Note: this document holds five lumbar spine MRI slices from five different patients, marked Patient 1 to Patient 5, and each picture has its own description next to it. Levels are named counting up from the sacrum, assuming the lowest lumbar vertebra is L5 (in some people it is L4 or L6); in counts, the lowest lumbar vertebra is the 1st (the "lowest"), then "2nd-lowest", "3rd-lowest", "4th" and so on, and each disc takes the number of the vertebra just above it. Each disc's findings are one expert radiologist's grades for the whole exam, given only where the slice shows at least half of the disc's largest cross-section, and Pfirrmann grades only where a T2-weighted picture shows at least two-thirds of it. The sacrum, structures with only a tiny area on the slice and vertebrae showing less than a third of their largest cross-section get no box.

Patient 1 of 5:
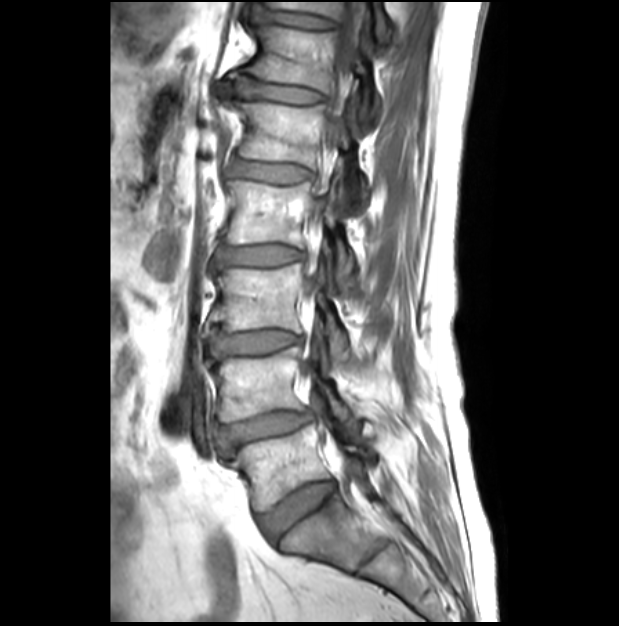
Sagittal slice index 11, Sex M, 619x626 px, MRI lumbar spine (T1-weighted), sagittal plane
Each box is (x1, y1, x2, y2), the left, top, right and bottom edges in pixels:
L4/L5 at (220, 411, 312, 446).
Intervertebral disc L5/S1 at (260, 480, 335, 540).
L4 at (210, 328, 355, 426).
T12/L1 at (235, 76, 321, 102).
Intervertebral disc T11/T12 at (258, 10, 333, 28).
Thecal sac / spinal canal at (307, 0, 365, 293).
Intervertebral disc L3/L4 at (210, 330, 297, 358).
L1/L2 at (231, 160, 311, 182).
L3 vertebra at (209, 264, 348, 363).
T12 at (250, 9, 379, 121).
L1 vertebra at (235, 102, 364, 211).
L5 vertebra at (231, 424, 375, 510).
T11 vertebra at (268, 2, 388, 40).
Intervertebral disc L2/L3 at (217, 245, 300, 266).
L2 at (226, 180, 354, 292).

Per-level radiological findings:
  L4/L5: upper-endplate change, disc narrowing, spondylolisthesis, lower-endplate change, disc bulging
  L2/L3, L1/L2, T12/L1, T11/T12, L3/L4, L5/S1: no Modic or endplate change, herniation, narrowing, bulging or spondylolisthesis recorded

Patient 2 of 5:
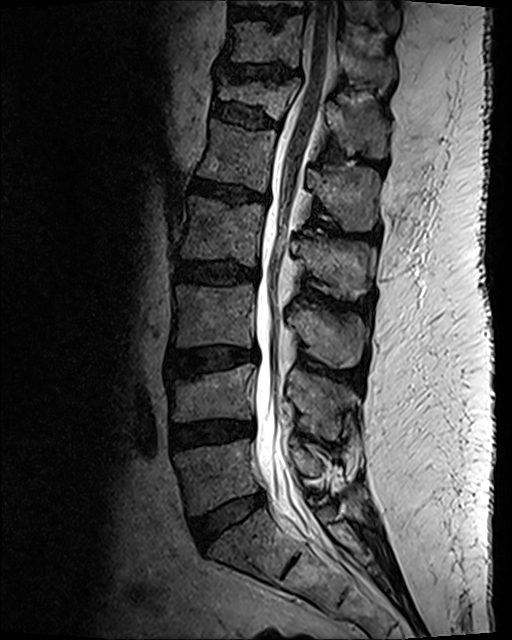

Sagittal T2 SPACE (3D) lumbar spine MRI | Sagittal slice index 60

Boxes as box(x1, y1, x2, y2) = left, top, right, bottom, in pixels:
disc T11/T12: box(227, 66, 297, 82)
L2/L3: box(177, 260, 258, 284)
disc L3/L4: box(171, 349, 257, 375)
disc L4/L5: box(171, 422, 251, 448)
T11 vertebra: box(224, 16, 395, 91)
L5: box(175, 437, 321, 515)
T10/T11: box(236, 11, 300, 22)
L2: box(181, 198, 369, 299)
T12/L1: box(212, 101, 278, 129)
L1: box(197, 121, 378, 231)
L1/L2: box(191, 180, 266, 206)
T12: box(218, 80, 388, 158)
disc L5/S1: box(191, 491, 265, 546)
L3 vertebra: box(172, 284, 363, 368)
thecal sac / spinal canal: box(254, 1, 336, 538)
L4: box(164, 365, 355, 440)

Expert MSK radiologist gradings (per disc):
• T12/L1: Pfirrmann grade 2, upper-endplate change, spondylolisthesis, disc bulging, lower-endplate change
• L3/L4: Pfirrmann grade 3, upper-endplate change, Modic type II, lower-endplate change, disc bulging
• T11/T12: Pfirrmann grade 2, disc narrowing, disc bulging, upper-endplate change, lower-endplate change
• L4/L5: Pfirrmann grade 3, disc bulging, disc narrowing
• L5/S1: Pfirrmann grade 2, disc bulging
• L1/L2: Pfirrmann grade 3, upper-endplate change, disc narrowing, disc bulging, Modic type II, lower-endplate change
• L2/L3: Pfirrmann grade 3, disc bulging, lower-endplate change

Patient 3 of 5:
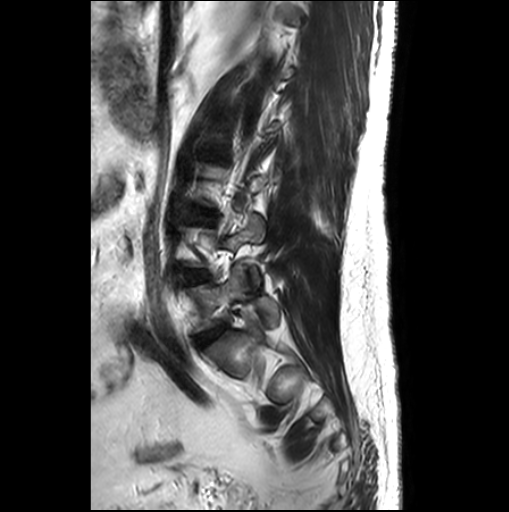 Slice 6 of 26, MRI lumbar spine (T2-weighted), sagittal plane

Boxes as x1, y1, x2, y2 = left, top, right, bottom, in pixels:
Annotations:
- L5 vertebra: 192, 265, 278, 331
- L4/L5: 188, 270, 206, 280
- disc L5/S1: 198, 326, 226, 346

Patient 4 of 5:
Slice 10 of 17 | Sagittal T1-weighted lumbar spine MRI | Field of view 300x300 mm | Scanner: SIEMENS Avanto_fit (1.5T)

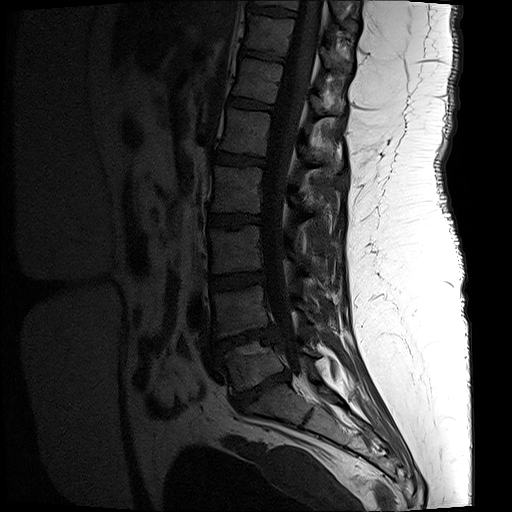

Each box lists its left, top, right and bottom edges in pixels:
{"T10": "left=253, top=0, right=343, bottom=18", "T11 vertebra": "left=244, top=13, right=352, bottom=72", "spinal canal": "left=261, top=0, right=323, bottom=383", "T12/L1": "left=229, top=97, right=274, bottom=111", "T11/T12": "left=241, top=48, right=284, bottom=62", "L2": "left=211, top=165, right=316, bottom=215", "disc L1/L2": "left=214, top=152, right=265, bottom=165", "disc L5/S1": "left=233, top=371, right=289, bottom=409", "L4": "left=212, top=285, right=319, bottom=337", "L3": "left=209, top=225, right=329, bottom=276", "L1": "left=221, top=107, right=340, bottom=166", "L2/L3": "left=209, top=213, right=260, bottom=227", "L5": "left=217, top=338, right=319, bottom=393", "disc L3/L4": "left=211, top=272, right=264, bottom=289", "disc T10/T11": "left=249, top=3, right=296, bottom=16", "T12 vertebra": "left=233, top=58, right=339, bottom=114", "disc L4/L5": "left=214, top=325, right=278, bottom=352"}

Radiological gradings:
  L4/L5: Modic type II, disc narrowing, lower-endplate change, disc herniation, upper-endplate change
  L1/L2: lower-endplate change
  L5/S1: upper-endplate change, lower-endplate change, disc herniation, Modic type II, disc narrowing
  T11/T12: lower-endplate change
  L2/L3: lower-endplate change, upper-endplate change
  T12/L1, L3/L4: no herniation, bulging, narrowing, spondylolisthesis, endplate or Modic change recorded

Patient 5 of 5:
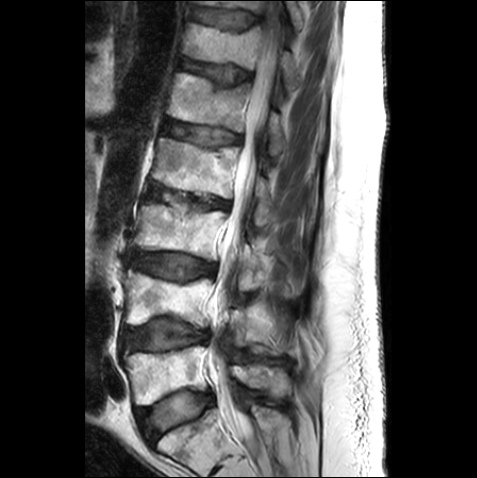 Sagittal slice index 14. Patient sex: M. Lumbar spine MR, T2-weighted, sagittal.

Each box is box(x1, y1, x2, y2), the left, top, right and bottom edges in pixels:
{"L3 vertebra": "box(132, 203, 261, 289)", "L5 vertebra": "box(122, 345, 289, 405)", "T12/L1": "box(181, 58, 250, 85)", "L3/L4": "box(132, 251, 215, 280)", "T11/T12": "box(191, 7, 259, 30)", "spinal canal": "box(209, 0, 281, 454)", "T12": "box(182, 23, 300, 92)", "L4": "box(122, 268, 276, 353)", "IVD L5/S1": "box(136, 391, 211, 442)", "T11": "box(195, 0, 303, 30)", "L1": "box(166, 72, 286, 155)", "L2 vertebra": "box(152, 138, 270, 226)", "L1/L2": "box(164, 120, 240, 145)", "L2/L3": "box(148, 183, 229, 209)", "IVD L4/L5": "box(122, 318, 208, 350)"}

Degenerative findings by level:
  T12/L1: Pfirrmann grade 3, upper-endplate change
  L1/L2: Pfirrmann grade 3
  L3/L4: Pfirrmann grade 2
  L4/L5: Pfirrmann grade 2, lower-endplate change
  T11/T12: Pfirrmann grade 2
  L2/L3: Pfirrmann grade 3, upper-endplate change
  L5/S1: Pfirrmann grade 1